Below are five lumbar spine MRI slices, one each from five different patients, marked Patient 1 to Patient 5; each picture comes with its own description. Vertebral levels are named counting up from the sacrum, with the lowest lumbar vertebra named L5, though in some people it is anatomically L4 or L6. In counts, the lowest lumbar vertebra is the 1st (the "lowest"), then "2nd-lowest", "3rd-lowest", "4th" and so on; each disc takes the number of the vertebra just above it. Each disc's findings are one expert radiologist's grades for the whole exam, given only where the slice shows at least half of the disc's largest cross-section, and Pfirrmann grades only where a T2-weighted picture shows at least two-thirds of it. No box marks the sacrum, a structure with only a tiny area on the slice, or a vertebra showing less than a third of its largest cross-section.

Patient 1 of 5:
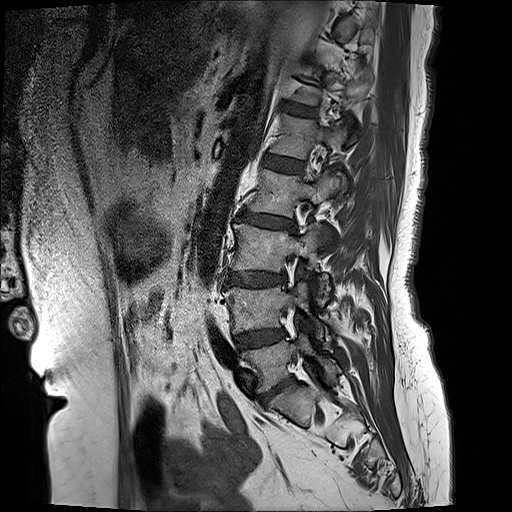 Sagittal slice index 3 | Slice spacing 3.3 mm | Lumbar spine MR, T1-weighted, sagittal

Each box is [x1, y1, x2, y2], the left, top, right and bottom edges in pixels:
L5 at [243, 333, 338, 392].
L3 vertebra at [232, 224, 330, 301].
Disc L3/L4 at [227, 272, 286, 284].
L4 vertebra at [223, 279, 324, 341].
L2/L3 at [237, 213, 294, 227].
Disc L1/L2 at [264, 155, 303, 172].
Disc L5/S1 at [261, 379, 294, 404].
T12/L1 at [287, 104, 314, 113].
L2 vertebra at [249, 169, 344, 217].
Disc L4/L5 at [236, 330, 285, 350].
L1 vertebra at [270, 114, 351, 159].

Degenerative findings by level:
• L3/L4: upper-endplate change, disc narrowing, disc bulging, Modic type II, lower-endplate change
• L4/L5: disc bulging
• L2/L3: upper-endplate change, disc narrowing, disc bulging, Modic type II, lower-endplate change
• L1/L2: no spondylolisthesis, narrowing, bulging, herniation, Modic or endplate change recorded

Patient 2 of 5:
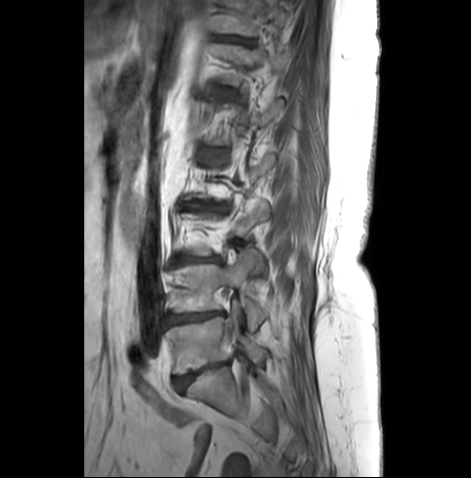
Slice 9/26; Field of view 281x281 mm; Sagittal T1-weighted lumbar spine MRI
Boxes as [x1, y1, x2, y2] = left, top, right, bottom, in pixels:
Structures:
• L3/L4 (3rd-lowest disc) at [178, 255, 218, 261]
• L5 (lowest vertebra) at [167, 307, 266, 373]
• disc L5/S1 (lowest disc) at [175, 361, 227, 390]
• L4 (2nd-lowest vertebra) at [171, 246, 265, 329]
• T11 (7th vertebra) at [218, 0, 287, 34]
• disc L4/L5 (2nd-lowest disc) at [167, 310, 221, 322]
• disc L2/L3 (4th disc) at [189, 201, 223, 209]
• disc T11/T12 (7th disc) at [220, 35, 251, 42]

Expert MSK radiologist gradings (per disc):
- L5/S1 (lowest disc): disc narrowing, Modic type II, disc bulging
- L4/L5 (2nd-lowest disc): Modic type II, disc bulging, disc narrowing, lower-endplate change, upper-endplate change
- T11/T12 (7th disc): upper-endplate change, disc bulging, lower-endplate change

Patient 3 of 5:
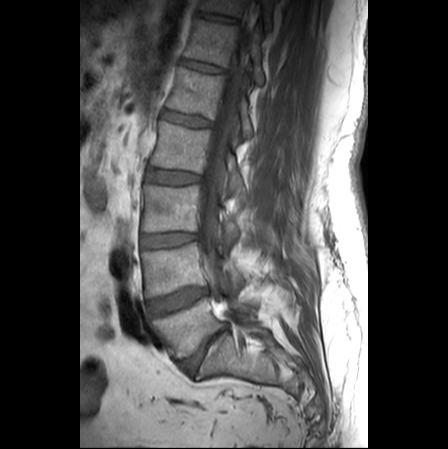 MRI lumbar spine (T1-weighted), sagittal plane | Field of view 280x281 mm
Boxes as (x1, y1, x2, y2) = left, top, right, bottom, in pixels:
L5: (152, 297, 249, 358)
L2: (150, 121, 243, 191)
spinal canal: (199, 44, 246, 288)
disc L5/S1: (178, 326, 225, 373)
T12/L1: (182, 59, 223, 72)
L1: (167, 68, 253, 137)
L3/L4: (142, 232, 195, 247)
disc L1/L2: (163, 111, 210, 126)
L4/L5: (148, 288, 207, 314)
T12 vertebra: (185, 19, 263, 84)
L3: (142, 185, 238, 245)
disc T11/T12: (198, 13, 236, 22)
disc L2/L3: (148, 170, 200, 185)
L4: (142, 243, 243, 297)
T11: (200, 0, 271, 28)

Expert MSK radiologist gradings (per disc):
  L4/L5: disc bulging, Modic type II
  L5/S1: Modic type II, disc bulging, disc narrowing
  L2/L3, L3/L4, T12/L1, T11/T12, L1/L2: no herniation, bulging, narrowing, spondylolisthesis, endplate or Modic change recorded

Patient 4 of 5:
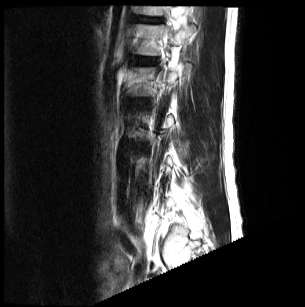

Sagittal T2-weighted lumbar spine MRI
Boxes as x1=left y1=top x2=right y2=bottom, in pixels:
L1 at x1=135 y1=23 x2=195 y2=55, T12 at x1=137 y1=6 x2=164 y2=15, L1/L2 at x1=141 y1=57 x2=154 y2=64, T12/L1 at x1=140 y1=16 x2=161 y2=22.

Degenerative findings by level:
  T12/L1: lower-endplate change, upper-endplate change

Patient 5 of 5:
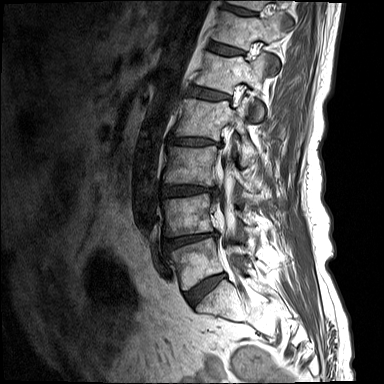

T1-weighted sagittal MRI of the lumbar spine | Patient sex: M

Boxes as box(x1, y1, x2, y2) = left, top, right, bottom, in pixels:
L2 (4th vertebra): box(173, 98, 259, 166).
Intervertebral disc T11/T12 (7th disc): box(223, 3, 257, 16).
L2/L3 (4th disc): box(169, 136, 222, 146).
L1 (5th vertebra): box(194, 52, 267, 121).
L5/S1 (lowest disc): box(184, 273, 226, 306).
Thecal sac / spinal canal: box(218, 150, 237, 265).
T12/L1 (6th disc): box(209, 42, 245, 56).
Intervertebral disc L4/L5 (2nd-lowest disc): box(165, 232, 217, 249).
Intervertebral disc L3/L4 (3rd-lowest disc): box(163, 186, 218, 196).
L4 (2nd-lowest vertebra): box(163, 194, 253, 236).
T12 (6th vertebra): box(213, 11, 284, 72).
L5 (lowest vertebra): box(171, 237, 253, 289).
T11 (7th vertebra): box(227, 0, 267, 10).
L1/L2 (5th disc): box(189, 86, 229, 99).
L3 (3rd-lowest vertebra): box(163, 146, 255, 193).

Expert MSK radiologist gradings (per disc):
  L3/L4 (3rd-lowest disc): lower-endplate change, disc herniation, Modic type II, upper-endplate change, disc narrowing, disc bulging
  L4/L5 (2nd-lowest disc): upper-endplate change, Modic type I, disc bulging, lower-endplate change, disc narrowing
  L2/L3 (4th disc): disc narrowing, Modic type II, lower-endplate change, upper-endplate change, disc bulging
  T11/T12 (7th disc): upper-endplate change, lower-endplate change
  L5/S1 (lowest disc): disc bulging, Modic type II
  L1/L2 (5th disc), T12/L1 (6th disc): no spondylolisthesis, narrowing, bulging, herniation, Modic or endplate change recorded